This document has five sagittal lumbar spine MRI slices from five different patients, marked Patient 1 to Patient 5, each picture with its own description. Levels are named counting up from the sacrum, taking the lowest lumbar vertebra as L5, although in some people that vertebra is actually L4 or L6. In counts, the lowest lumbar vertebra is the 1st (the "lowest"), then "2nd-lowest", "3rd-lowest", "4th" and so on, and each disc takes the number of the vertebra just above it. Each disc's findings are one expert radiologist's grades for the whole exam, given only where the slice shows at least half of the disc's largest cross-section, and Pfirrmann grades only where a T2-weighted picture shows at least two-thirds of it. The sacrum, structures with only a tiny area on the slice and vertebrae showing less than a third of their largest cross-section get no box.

Patient 1 of 5:
448x450 px | MRI lumbar spine (T2-weighted), sagittal plane

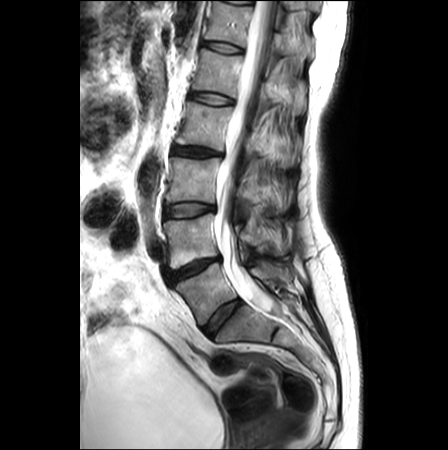
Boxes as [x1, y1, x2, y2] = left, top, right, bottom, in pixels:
3rd-lowest disc: [165, 203, 213, 217] | 6th disc: [203, 41, 241, 52] | 6th vertebra: [205, 1, 312, 57] | 3rd-lowest vertebra: [166, 157, 290, 209] | lowest vertebra: [176, 263, 291, 324] | spinal canal: [214, 0, 278, 313] | lowest disc: [202, 300, 241, 336] | 4th vertebra: [175, 101, 298, 167] | 2nd-lowest vertebra: [164, 214, 287, 269] | 5th vertebra: [193, 48, 306, 115] | 4th disc: [173, 146, 220, 156] | 2nd-lowest disc: [167, 257, 219, 282] | 5th disc: [190, 93, 232, 104]

Expert MSK radiologist gradings (per disc):
• 2nd-lowest disc: Pfirrmann grade 4, Modic type II, lower-endplate change, upper-endplate change, disc herniation, disc narrowing
• lowest disc: Pfirrmann grade 2
• 6th disc: Pfirrmann grade 1
• 4th disc: Pfirrmann grade 3, disc bulging
• 5th disc: Pfirrmann grade 1
• 3rd-lowest disc: Pfirrmann grade 1, disc bulging

Patient 2 of 5:
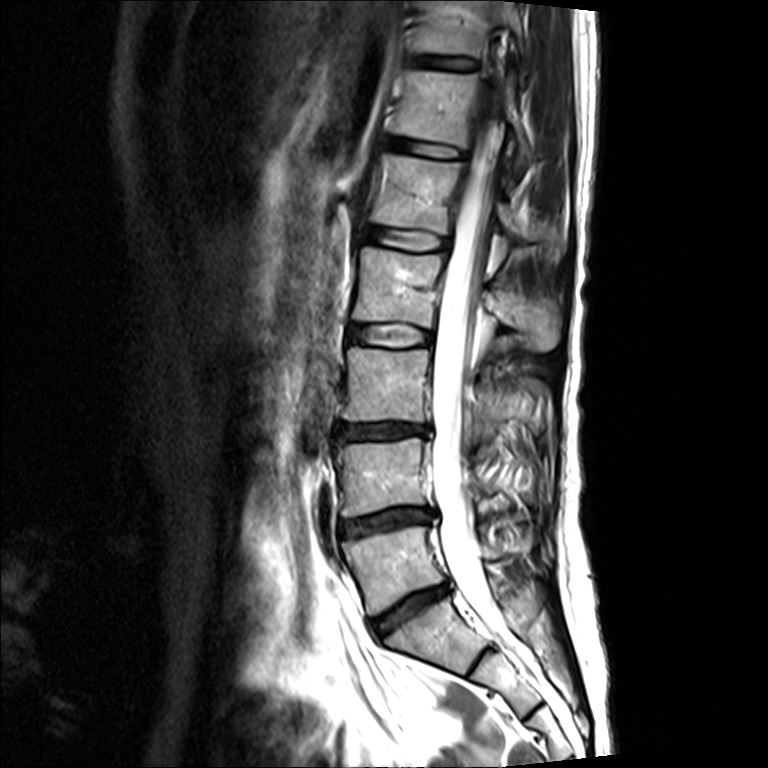
T2-weighted sagittal MRI of the lumbar spine, Sagittal slice index 7, Image 768x768
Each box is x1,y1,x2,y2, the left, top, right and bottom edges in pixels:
2nd-lowest vertebra at 336,437,498,517; 3rd-lowest disc at 339,422,429,438; 4th disc at 349,323,432,345; 7th disc at 412,53,478,72; 7th vertebra at 415,0,559,55; spinal canal at 431,69,501,624; lowest disc at 370,584,450,639; 5th vertebra at 372,154,523,250; 3rd-lowest vertebra at 344,346,549,431; 4th vertebra at 354,246,562,350; 6th vertebra at 392,69,534,169; lowest vertebra at 342,526,533,614; 2nd-lowest disc at 341,506,434,535; 6th disc at 389,135,463,158; 5th disc at 369,226,449,248.

Per-level radiological findings:
- 3rd-lowest disc: Pfirrmann grade 4, disc bulging, disc narrowing
- 7th disc: Pfirrmann grade 2
- lowest disc: Pfirrmann grade 4, disc narrowing, disc bulging
- 5th disc: Pfirrmann grade 2
- 4th disc: Pfirrmann grade 2, Modic type II
- 6th disc: Pfirrmann grade 2
- 2nd-lowest disc: Pfirrmann grade 4, disc bulging, disc narrowing

Patient 3 of 5:
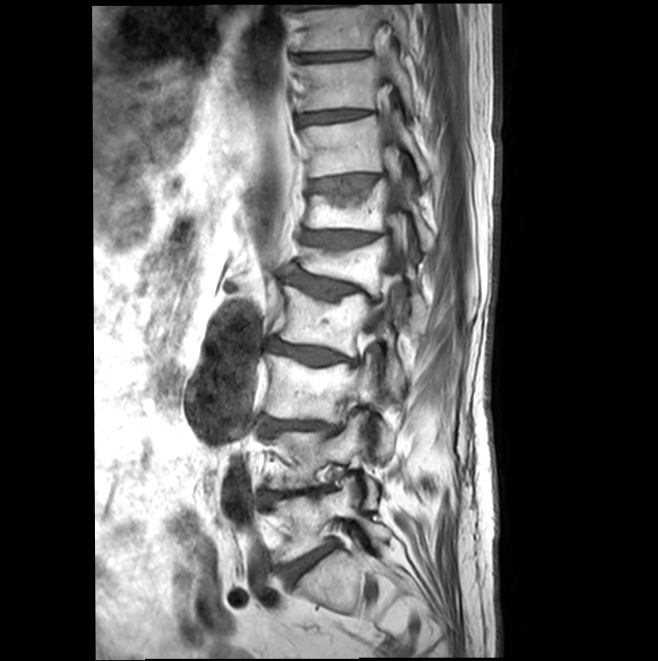

Image 658x661. Patient sex: M. Sagittal T1-weighted lumbar spine MRI.

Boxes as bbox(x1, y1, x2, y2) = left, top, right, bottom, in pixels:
L4/L5 (2nd-lowest disc): bbox(260, 490, 316, 502)
L2 (4th vertebra): bbox(279, 286, 403, 395)
L3/L4 (3rd-lowest disc): bbox(263, 418, 333, 432)
T9/T10 (9th disc): bbox(297, 52, 365, 62)
T12 (6th vertebra): bbox(306, 177, 435, 251)
T11/T12 (7th disc): bbox(309, 175, 376, 196)
L1/L2 (5th disc): bbox(287, 272, 381, 304)
T12/L1 (6th disc): bbox(302, 231, 376, 246)
L5 (lowest vertebra): bbox(272, 476, 390, 561)
T10 (8th vertebra): bbox(298, 57, 415, 115)
T11 (7th vertebra): bbox(301, 116, 430, 180)
T9 (9th vertebra): bbox(295, 5, 409, 52)
L4 (2nd-lowest vertebra): bbox(267, 412, 377, 507)
disc T10/T11 (8th disc): bbox(297, 110, 367, 123)
L2/L3 (4th disc): bbox(268, 338, 355, 364)
thecal sac / spinal canal: bbox(371, 83, 405, 330)
L5/S1 (lowest disc): bbox(279, 543, 334, 583)
L1 (5th vertebra): bbox(301, 237, 427, 317)
L3 (3rd-lowest vertebra): bbox(265, 353, 390, 454)

Degenerative findings by level:
  L3/L4 (3rd-lowest disc): upper-endplate change, Modic type II, lower-endplate change, disc bulging, disc narrowing
  L5/S1 (lowest disc): Modic type II, disc bulging, disc narrowing
  T11/T12 (7th disc): Modic type II, upper-endplate change
  L2/L3 (4th disc): upper-endplate change, disc narrowing, disc bulging, Modic type II
  T12/L1 (6th disc): disc narrowing, upper-endplate change, Modic type II
  L1/L2 (5th disc): upper-endplate change, spondylolisthesis, disc narrowing, disc bulging, Modic type II
  T9/T10 (9th disc), T10/T11 (8th disc): no spondylolisthesis, narrowing, bulging, herniation, Modic or endplate change recorded

Patient 4 of 5:
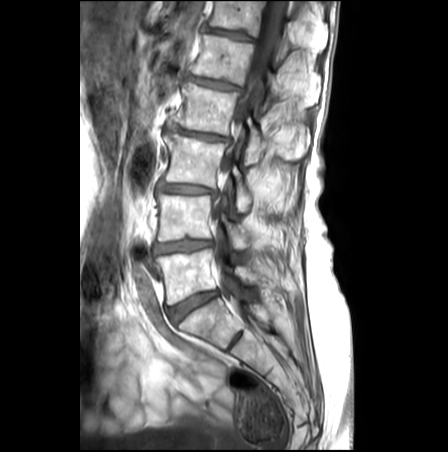 448x452 px, Lumbar spine MR, T1-weighted, sagittal, Field of view 280x283 mm, Patient sex: F

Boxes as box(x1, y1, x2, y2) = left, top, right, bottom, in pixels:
Annotations:
• 2nd-lowest vertebra: box(157, 194, 250, 248)
• 3rd-lowest disc: box(158, 182, 215, 194)
• 5th disc: box(190, 76, 238, 90)
• 4th vertebra: box(174, 83, 309, 164)
• spinal canal: box(213, 1, 284, 290)
• lowest vertebra: box(156, 249, 261, 304)
• 6th disc: box(204, 27, 252, 40)
• 5th vertebra: box(191, 34, 320, 111)
• 3rd-lowest vertebra: box(164, 132, 295, 212)
• 6th vertebra: box(209, 1, 327, 65)
• 2nd-lowest disc: box(154, 239, 212, 253)
• 4th disc: box(172, 125, 227, 141)
• lowest disc: box(167, 291, 217, 323)

Expert MSK radiologist gradings (per disc):
- 5th disc: lower-endplate change, upper-endplate change, disc bulging
- 4th disc: upper-endplate change, disc narrowing, lower-endplate change, disc bulging, Modic type II
- 3rd-lowest disc: disc narrowing, upper-endplate change, disc bulging, lower-endplate change, Modic type II
- 6th disc: lower-endplate change, upper-endplate change
- 2nd-lowest disc: Modic type II, lower-endplate change, disc bulging, disc narrowing, upper-endplate change
- lowest disc: no herniation, bulging, narrowing, spondylolisthesis, endplate or Modic change recorded

Patient 5 of 5:
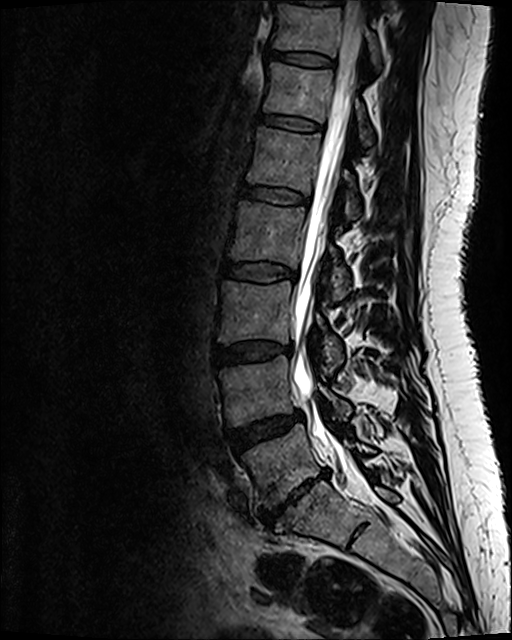 Image 512x640; Sex F; Slice 52/120; MRI lumbar spine (T2 SPACE (3D)), sagittal plane
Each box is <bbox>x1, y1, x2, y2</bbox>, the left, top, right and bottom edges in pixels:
4th vertebra: <bbox>230, 203, 348, 300</bbox>.
Spinal canal: <bbox>291, 1, 362, 471</bbox>.
6th vertebra: <bbox>264, 63, 373, 144</bbox>.
2nd-lowest disc: <bbox>228, 411, 301, 449</bbox>.
6th disc: <bbox>260, 115, 321, 131</bbox>.
3rd-lowest vertebra: <bbox>219, 281, 342, 370</bbox>.
Lowest disc: <bbox>260, 470, 328, 525</bbox>.
5th vertebra: <bbox>247, 128, 360, 220</bbox>.
7th vertebra: <bbox>273, 4, 380, 69</bbox>.
3rd-lowest disc: <bbox>214, 341, 291, 365</bbox>.
5th disc: <bbox>241, 185, 309, 205</bbox>.
4th disc: <bbox>223, 262, 297, 280</bbox>.
Lowest vertebra: <bbox>242, 425, 371, 506</bbox>.
2nd-lowest vertebra: <bbox>220, 355, 350, 425</bbox>.
7th disc: <bbox>268, 51, 333, 65</bbox>.

Radiological gradings:
  lowest disc: Pfirrmann grade 5, Modic type III, disc herniation, lower-endplate change, upper-endplate change, disc bulging, disc narrowing
  2nd-lowest disc: Pfirrmann grade 3, disc bulging
  5th disc: Pfirrmann grade 2
  7th disc: Pfirrmann grade 2
  4th disc: Pfirrmann grade 2
  6th disc: Pfirrmann grade 2
  3rd-lowest disc: Pfirrmann grade 2, disc bulging